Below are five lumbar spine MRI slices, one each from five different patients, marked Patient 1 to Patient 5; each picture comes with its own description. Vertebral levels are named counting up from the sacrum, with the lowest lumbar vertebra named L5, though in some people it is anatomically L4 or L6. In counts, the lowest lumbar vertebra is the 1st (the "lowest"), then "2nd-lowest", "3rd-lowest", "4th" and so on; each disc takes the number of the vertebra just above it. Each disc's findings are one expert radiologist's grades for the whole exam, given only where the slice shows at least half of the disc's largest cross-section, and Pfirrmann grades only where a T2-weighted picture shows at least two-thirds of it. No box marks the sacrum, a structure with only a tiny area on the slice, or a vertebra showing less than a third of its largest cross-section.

Patient 1 of 5:
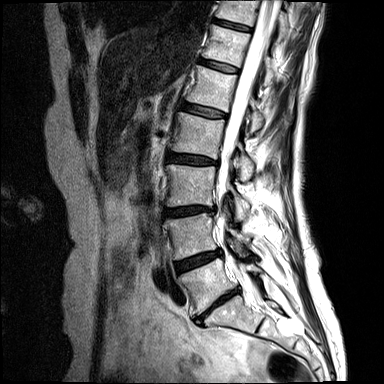
T2-weighted sagittal MRI of the lumbar spine; Field of view 280x280 mm, slice spacing 4.4 mm
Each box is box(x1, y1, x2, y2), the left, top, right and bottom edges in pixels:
Spinal canal at box(218, 0, 278, 299).
T11/T12 at box(214, 19, 250, 30).
T12 at box(205, 26, 274, 85).
L5/S1 at box(197, 291, 237, 320).
L1 at box(187, 66, 264, 134).
T11 vertebra at box(217, 0, 286, 38).
L5 at box(180, 259, 261, 314).
T12/L1 at box(201, 59, 238, 72).
L1/L2 at box(183, 103, 227, 117).
L3 at box(168, 164, 249, 222).
L2 at box(172, 112, 254, 180).
Intervertebral disc L4/L5 at box(175, 251, 221, 274).
Intervertebral disc L3/L4 at box(165, 207, 214, 216).
Intervertebral disc L2/L3 at box(170, 154, 215, 164).
L4 at box(164, 213, 250, 258).

Expert MSK radiologist gradings (per disc):
  L1/L2: Pfirrmann grade 2, Modic type II
  L5/S1: Pfirrmann grade 5, disc bulging, disc narrowing, Modic type II, lower-endplate change, upper-endplate change
  T12/L1: Pfirrmann grade 2
  L2/L3: Pfirrmann grade 3, Modic type II, upper-endplate change, disc bulging
  T11/T12: Pfirrmann grade 2
  L3/L4: Pfirrmann grade 4, disc bulging, Modic type II, disc narrowing
  L4/L5: Pfirrmann grade 4, disc bulging, Modic type II

Patient 2 of 5:
Scanner: SIEMENS Avanto_fit (1.5T). Sagittal T2 SPACE (3D) lumbar spine MRI.

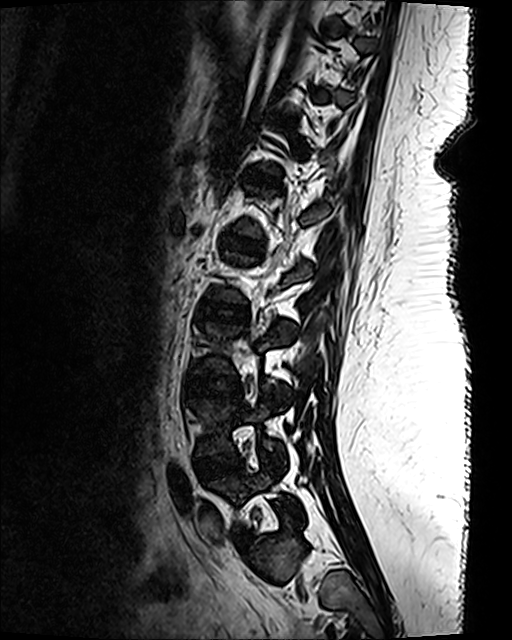
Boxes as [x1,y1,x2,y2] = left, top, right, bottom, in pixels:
3rd-lowest vertebra at [196,323,294,401], 2nd-lowest vertebra at [193,388,283,465], lowest vertebra at [207,458,299,527], 4th disc at [202,303,245,319], 2nd-lowest disc at [195,452,241,478], 3rd-lowest disc at [189,374,240,395].

Per-level radiological findings:
  3rd-lowest disc: Pfirrmann grade 1
  2nd-lowest disc, 4th disc: no spondylolisthesis, narrowing, bulging, herniation, Modic or endplate change recorded

Patient 3 of 5:
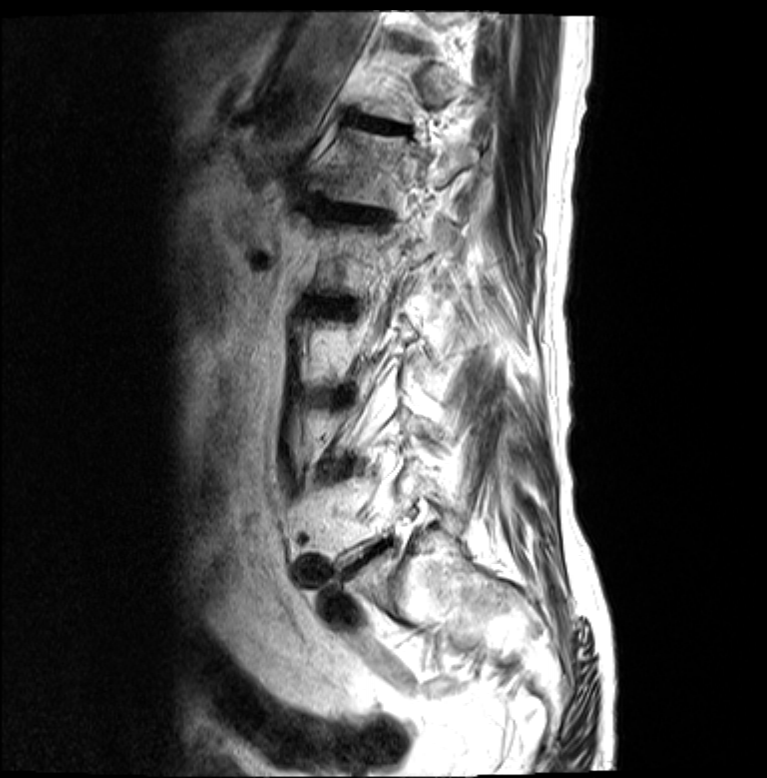

T2-weighted sagittal MRI of the lumbar spine, Slice 15/19

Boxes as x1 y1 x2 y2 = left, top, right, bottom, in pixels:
Disc L1/L2 = 339 210 374 220.
Disc T12/L1 = 349 116 402 131.
L1 = 321 129 478 208.

Patient 4 of 5:
T2 SPACE (3D) sagittal MRI of the lumbar spine; Slice 43/139; Slice spacing 0.9 mm

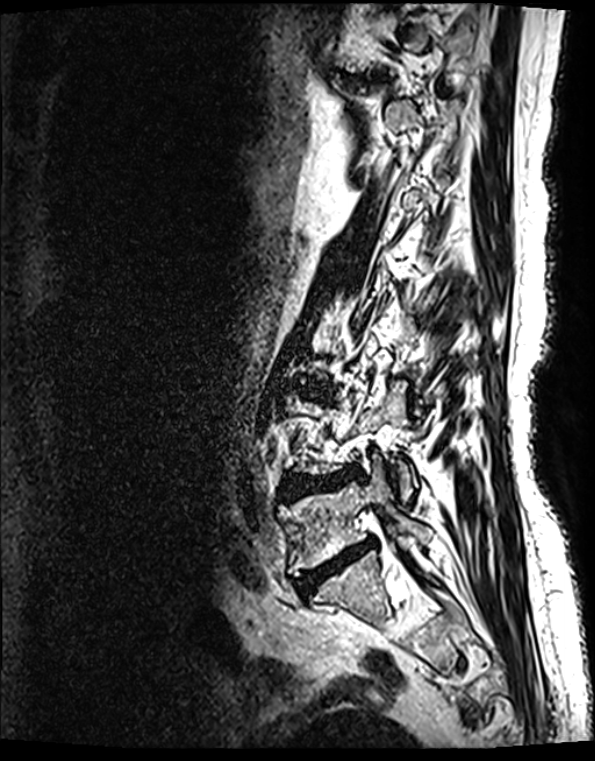

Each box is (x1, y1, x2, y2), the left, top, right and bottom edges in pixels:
* L4/L5 (2nd-lowest disc) = (284, 471, 351, 498)
* L5/S1 (lowest disc) = (296, 539, 375, 594)
* L5 (lowest vertebra) = (283, 455, 431, 575)

Degenerative findings by level:
- L5/S1 (lowest disc): Pfirrmann grade 5, Modic type II, disc bulging, disc narrowing, upper-endplate change, lower-endplate change

Patient 5 of 5:
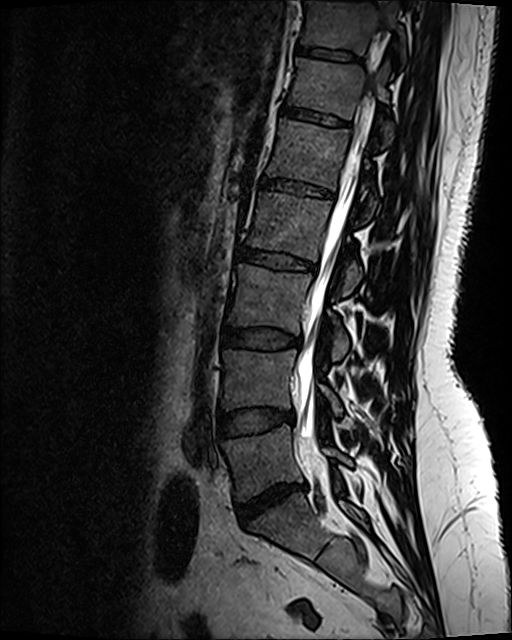 Lumbar spine MR, T2 SPACE (3D), sagittal, Slice 70 of 120
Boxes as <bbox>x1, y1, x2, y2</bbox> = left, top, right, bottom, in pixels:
6th vertebra: <bbox>289, 59, 392, 140</bbox>.
7th disc: <bbox>297, 48, 359, 62</bbox>.
Thecal sac / spinal canal: <bbox>299, 93, 369, 463</bbox>.
4th disc: <bbox>238, 249, 316, 272</bbox>.
4th vertebra: <bbox>246, 193, 362, 295</bbox>.
Lowest vertebra: <bbox>224, 425, 351, 500</bbox>.
3rd-lowest disc: <bbox>222, 329, 297, 348</bbox>.
2nd-lowest disc: <bbox>220, 410, 292, 438</bbox>.
Lowest disc: <bbox>238, 485, 304, 525</bbox>.
6th disc: <bbox>282, 107, 349, 130</bbox>.
7th vertebra: <bbox>303, 3, 404, 57</bbox>.
2nd-lowest vertebra: <bbox>223, 350, 342, 415</bbox>.
5th vertebra: <bbox>268, 121, 375, 210</bbox>.
5th disc: <bbox>262, 180, 332, 198</bbox>.
3rd-lowest vertebra: <bbox>228, 265, 348, 360</bbox>.

Radiological gradings:
• 6th disc: Pfirrmann grade 2, lower-endplate change, upper-endplate change
• lowest disc: Pfirrmann grade 1, disc herniation, disc bulging, disc narrowing
• 7th disc: Pfirrmann grade 2
• 3rd-lowest disc: Pfirrmann grade 2, disc bulging
• 5th disc: Pfirrmann grade 2, lower-endplate change, upper-endplate change
• 4th disc: Pfirrmann grade 4, disc bulging, upper-endplate change, lower-endplate change
• 2nd-lowest disc: Pfirrmann grade 2, disc bulging